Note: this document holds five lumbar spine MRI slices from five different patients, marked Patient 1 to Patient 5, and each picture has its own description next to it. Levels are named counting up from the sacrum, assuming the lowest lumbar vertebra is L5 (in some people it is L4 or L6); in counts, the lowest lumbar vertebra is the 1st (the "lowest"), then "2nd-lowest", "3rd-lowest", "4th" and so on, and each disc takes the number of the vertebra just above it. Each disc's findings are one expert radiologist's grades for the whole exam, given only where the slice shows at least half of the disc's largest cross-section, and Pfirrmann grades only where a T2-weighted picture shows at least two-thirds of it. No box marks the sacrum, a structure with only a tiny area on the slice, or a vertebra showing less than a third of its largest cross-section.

Patient 1 of 5:
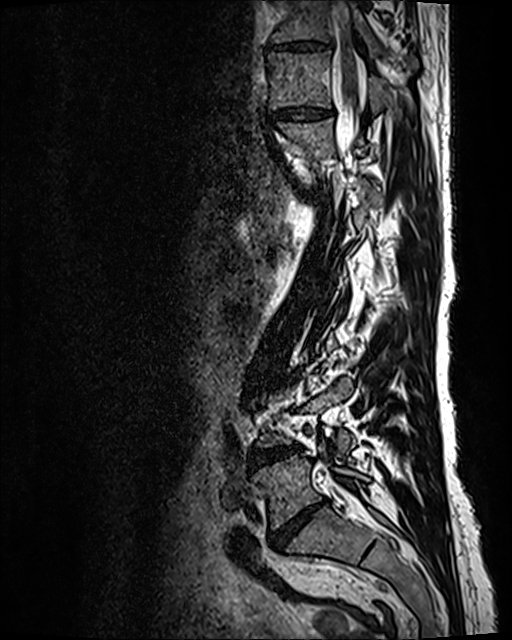

MRI lumbar spine (T2 SPACE (3D)), sagittal plane
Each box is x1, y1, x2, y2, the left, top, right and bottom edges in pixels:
{"L5 vertebra": "253, 441, 369, 529", "T10": "272, 1, 417, 68", "IVD L5/S1": "270, 499, 324, 549", "spinal canal": "333, 2, 366, 154", "T11/T12": "268, 105, 332, 121", "T11": "268, 51, 394, 114", "IVD L4/L5": "250, 447, 297, 466", "T10/T11": "271, 41, 328, 50"}

Radiological gradings:
  L4/L5: Modic type II, disc bulging, disc narrowing
  T11/T12: Pfirrmann grade 3, disc narrowing, disc bulging
  T10/T11: disc narrowing, disc bulging
  L5/S1: Pfirrmann grade 5, Modic type II, lower-endplate change, disc bulging, upper-endplate change, disc narrowing

Patient 2 of 5:
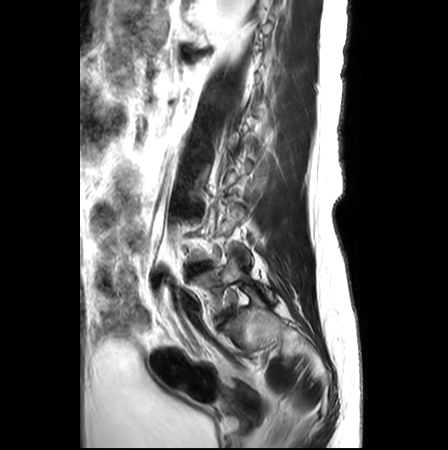

T2-weighted sagittal MRI of the lumbar spine. Sex F.

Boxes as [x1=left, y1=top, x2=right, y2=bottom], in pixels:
L4/L5 (2nd-lowest disc) at [x1=188, y1=263, x2=208, y2=273].
L5 (lowest vertebra) at [x1=193, y1=255, x2=272, y2=314].
L5/S1 (lowest disc) at [x1=219, y1=311, x2=228, y2=322].

Patient 3 of 5:
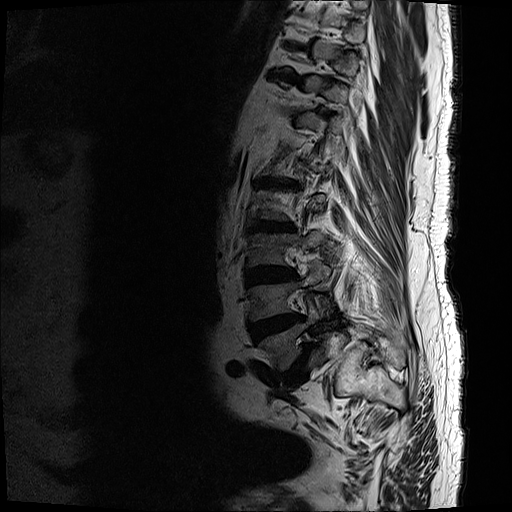

T2-weighted sagittal MRI of the lumbar spine, Image 512x512, Slice 3 of 17, Sex M

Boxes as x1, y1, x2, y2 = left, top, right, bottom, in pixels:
{"L1/L2": "254, 177, 303, 189", "L3 vertebra": "247, 231, 327, 266", "intervertebral disc L4/L5": "249, 314, 304, 344", "intervertebral disc L5/S1": "283, 344, 311, 387", "L4 vertebra": "247, 262, 331, 321", "L5": "259, 295, 321, 371", "intervertebral disc T10/T11": "267, 70, 306, 84", "L2/L3": "251, 218, 297, 233", "intervertebral disc L3/L4": "246, 266, 296, 285", "T11/T12": "277, 108, 306, 115"}

Radiological gradings:
- L1/L2: lower-endplate change, upper-endplate change, disc narrowing, disc bulging, Modic type II
- L4/L5: Pfirrmann grade 5, disc bulging, upper-endplate change, Modic type II, disc narrowing, lower-endplate change
- L2/L3: upper-endplate change, disc narrowing, disc bulging, Modic type II, lower-endplate change
- L3/L4: Pfirrmann grade 5, disc narrowing, Modic type II, upper-endplate change, disc bulging, lower-endplate change
- L5/S1: Pfirrmann grade 5, Modic type II, disc narrowing, lower-endplate change, disc bulging, upper-endplate change, spondylolisthesis

Patient 4 of 5:
Sex F | Lumbar spine MR, T2-weighted, sagittal | Slice 20 of 26 | Scanner: Philips Healthcare Ingenia (3T)

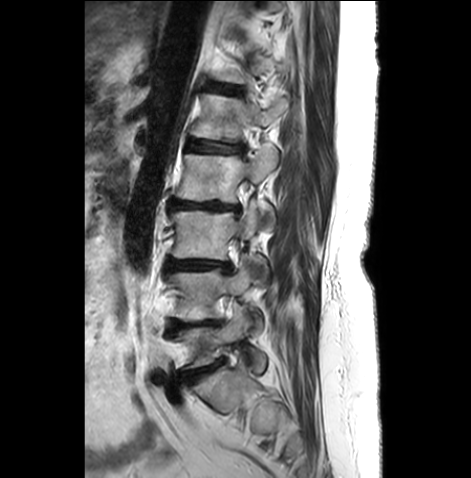

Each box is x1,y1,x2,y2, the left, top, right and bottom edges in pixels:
• lowest vertebra: 178,305,265,372
• 2nd-lowest vertebra: 166,256,262,332
• 3rd-lowest disc: 165,259,232,272
• 2nd-lowest disc: 168,321,220,331
• lowest disc: 182,363,221,381
• 3rd-lowest vertebra: 171,200,268,278
• 6th disc: 204,83,241,93
• 5th disc: 187,140,241,152
• 5th vertebra: 190,94,289,142
• 4th disc: 169,199,239,210
• 4th vertebra: 171,145,278,222

Radiological gradings:
- 4th disc: Pfirrmann grade 5, disc narrowing, upper-endplate change, disc bulging, lower-endplate change, Modic type II
- 3rd-lowest disc: Pfirrmann grade 4, disc narrowing, Modic type II, disc bulging
- lowest disc: Modic type II, disc bulging, disc narrowing
- 5th disc: Pfirrmann grade 3, upper-endplate change, Modic type II, disc bulging, lower-endplate change
- 2nd-lowest disc: lower-endplate change, disc narrowing, Modic type II, disc bulging, upper-endplate change

Patient 5 of 5:
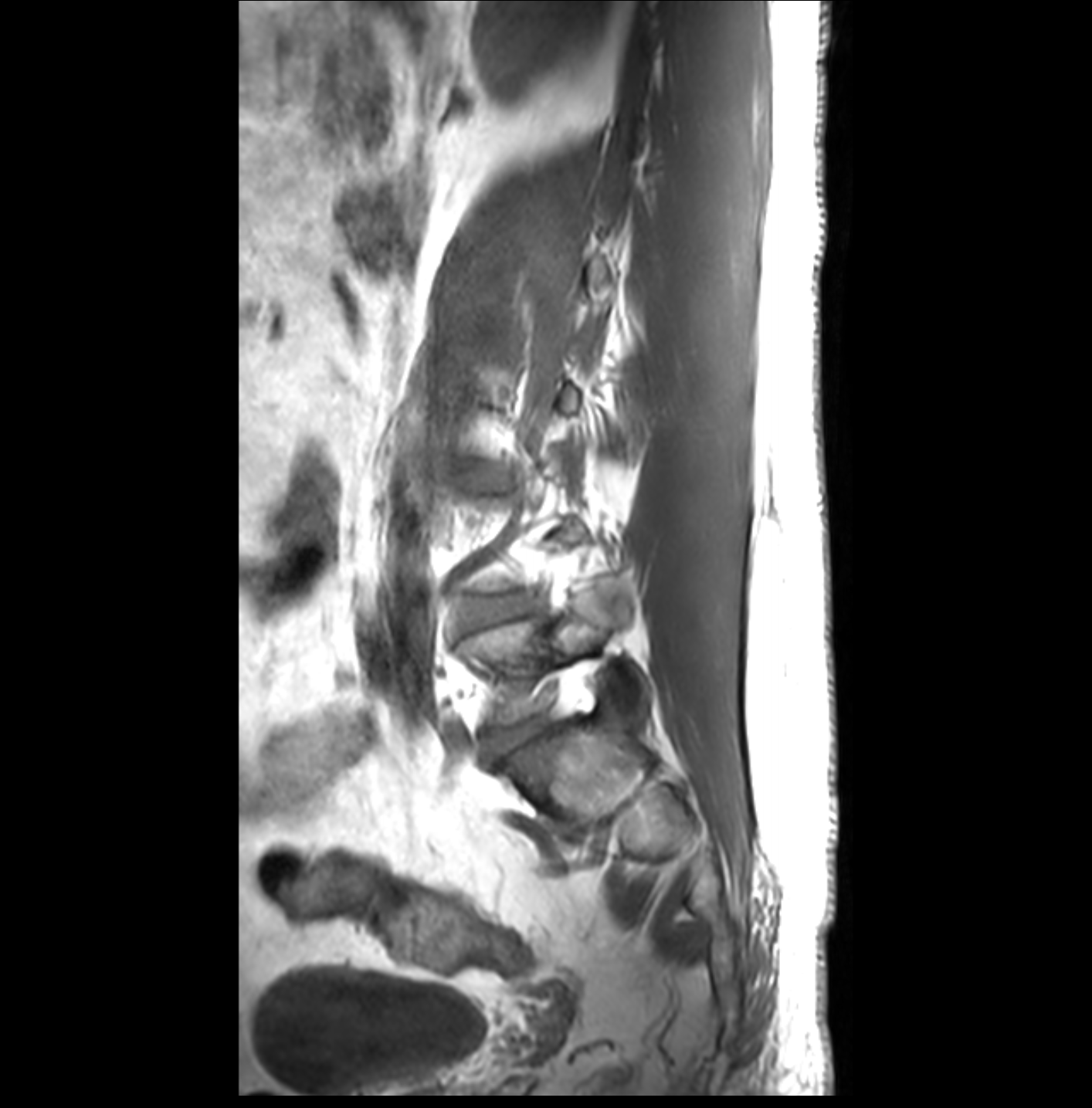 Slice 10/32 | T1-weighted sagittal MRI of the lumbar spine | Field of view 320x325 mm, slice spacing 3.3 mm

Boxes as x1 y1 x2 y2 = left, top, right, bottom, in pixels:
L4/L5: 460 596 530 631 | disc L5/S1: 483 719 548 757 | L5 vertebra: 459 611 647 725